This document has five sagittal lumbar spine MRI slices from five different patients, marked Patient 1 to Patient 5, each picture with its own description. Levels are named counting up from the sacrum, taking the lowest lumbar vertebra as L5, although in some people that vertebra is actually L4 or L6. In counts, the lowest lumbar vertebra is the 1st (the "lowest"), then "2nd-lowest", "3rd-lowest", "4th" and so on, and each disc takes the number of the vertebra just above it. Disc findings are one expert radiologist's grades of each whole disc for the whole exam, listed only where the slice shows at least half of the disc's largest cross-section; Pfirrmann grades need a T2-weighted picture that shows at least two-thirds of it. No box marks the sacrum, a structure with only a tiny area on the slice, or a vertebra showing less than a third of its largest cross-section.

Patient 1 of 5:
Lumbar spine MR, T2 SPACE (3D), sagittal. SIEMENS Avanto_fit (1.5T). 512x652 px.
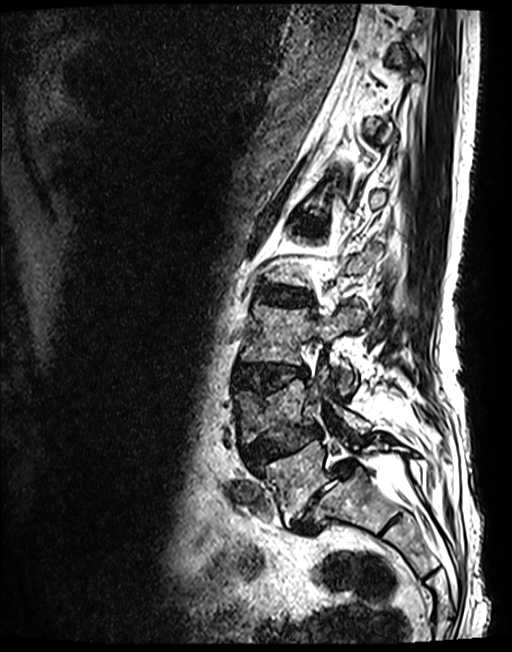
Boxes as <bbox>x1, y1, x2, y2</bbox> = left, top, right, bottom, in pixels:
- L5 vertebra — <bbox>257, 436, 415, 522</bbox>
- L3 vertebra — <bbox>242, 305, 363, 393</bbox>
- intervertebral disc L4/L5 — <bbox>243, 427, 321, 464</bbox>
- L3/L4 — <bbox>235, 364, 306, 392</bbox>
- L4 — <bbox>235, 370, 369, 443</bbox>
- L2/L3 — <bbox>257, 286, 312, 305</bbox>
- spinal canal — <bbox>380, 457, 406, 485</bbox>
- L5/S1 — <bbox>291, 462, 353, 533</bbox>

Expert MSK radiologist gradings (per disc):
• L3/L4: Pfirrmann grade 3, upper-endplate change, disc bulging, lower-endplate change
• L4/L5: Pfirrmann grade 3, disc herniation, disc narrowing, upper-endplate change, spondylolisthesis, lower-endplate change
• L2/L3: disc bulging
• L5/S1: Pfirrmann grade 5, disc narrowing, spondylolisthesis, Modic type II, disc herniation

Patient 2 of 5:
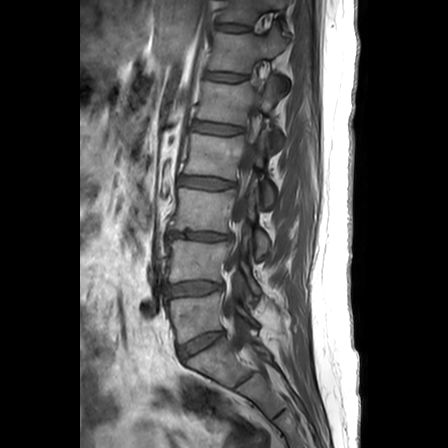 MRI lumbar spine (T1-weighted), sagittal plane. Image 448x448.
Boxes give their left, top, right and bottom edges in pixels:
L5/S1 (lowest disc) — left=181, top=331, right=225, bottom=359.
T11 (7th vertebra) — left=221, top=0, right=287, bottom=23.
L1/L2 (5th disc) — left=194, top=121, right=242, bottom=134.
Disc T11/T12 (7th disc) — left=218, top=23, right=249, bottom=31.
L5 (lowest vertebra) — left=169, top=292, right=258, bottom=342.
L3/L4 (3rd-lowest disc) — left=170, top=231, right=230, bottom=239.
L2 (4th vertebra) — left=186, top=133, right=275, bottom=205.
Disc L2/L3 (4th disc) — left=180, top=175, right=234, bottom=188.
Disc L4/L5 (2nd-lowest disc) — left=168, top=281, right=222, bottom=295.
T12 (6th vertebra) — left=210, top=26, right=285, bottom=71.
L4 (2nd-lowest vertebra) — left=170, top=240, right=262, bottom=293.
L1 (5th vertebra) — left=199, top=75, right=282, bottom=147.
L3 (3rd-lowest vertebra) — left=173, top=188, right=271, bottom=255.
Spinal canal — left=228, top=87, right=260, bottom=346.
T12/L1 (6th disc) — left=207, top=72, right=246, bottom=81.

Degenerative findings by level:
- L3/L4 (3rd-lowest disc): upper-endplate change, disc herniation, Modic type II, lower-endplate change, disc narrowing
- L4/L5 (2nd-lowest disc): disc bulging
- L1/L2 (5th disc), L5/S1 (lowest disc), T12/L1 (6th disc), T11/T12 (7th disc), L2/L3 (4th disc): no herniation, bulging, narrowing, spondylolisthesis, endplate or Modic change recorded

Patient 3 of 5:
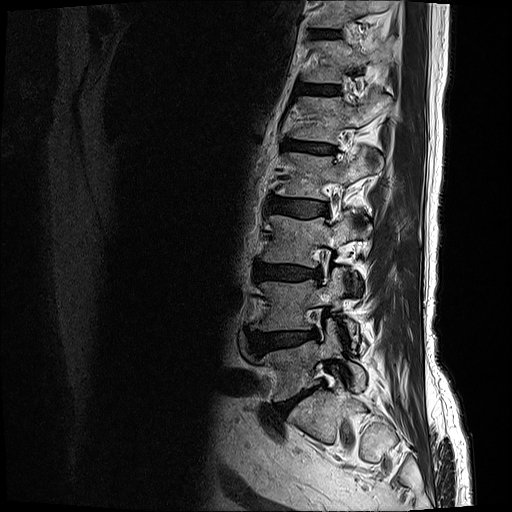 512x512 px. Sagittal slice index 4. Sagittal T2-weighted lumbar spine MRI.
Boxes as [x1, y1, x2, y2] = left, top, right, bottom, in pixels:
Annotations:
- disc L3/L4 (3rd-lowest disc) — [256, 262, 323, 281]
- disc T12/L1 (6th disc) — [299, 85, 339, 96]
- L4/L5 (2nd-lowest disc) — [248, 330, 318, 353]
- T12 (6th vertebra) — [305, 41, 395, 84]
- T11/T12 (7th disc) — [313, 32, 339, 37]
- disc L2/L3 (4th disc) — [268, 196, 329, 216]
- L5 (lowest vertebra) — [253, 320, 366, 400]
- L1 (5th vertebra) — [290, 90, 391, 144]
- L4 (2nd-lowest vertebra) — [256, 268, 359, 348]
- L2 (4th vertebra) — [276, 148, 383, 200]
- L5/S1 (lowest disc) — [277, 387, 318, 413]
- L1/L2 (5th disc) — [285, 140, 335, 153]
- T11 (7th vertebra) — [311, 0, 395, 28]
- L3 (3rd-lowest vertebra) — [262, 211, 371, 267]

Radiological gradings:
- L2/L3 (4th disc): Pfirrmann grade 3, disc bulging
- L3/L4 (3rd-lowest disc): Pfirrmann grade 4, disc narrowing, Modic type II, disc bulging, lower-endplate change
- L1/L2 (5th disc): disc bulging, lower-endplate change, disc narrowing, Modic type II, upper-endplate change
- L4/L5 (2nd-lowest disc): Pfirrmann grade 4, disc herniation, disc bulging
- T12/L1 (6th disc): no spondylolisthesis, narrowing, bulging, herniation, Modic or endplate change recorded

Patient 4 of 5:
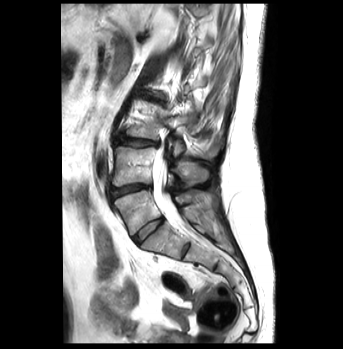 Lumbar spine MR, T2-weighted, sagittal. Sex F. 343x349 px.

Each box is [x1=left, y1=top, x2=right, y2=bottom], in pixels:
lowest vertebra: [x1=114, y1=190, x2=210, y2=235]
2nd-lowest vertebra: [x1=112, y1=146, x2=208, y2=186]
lowest disc: [x1=133, y1=218, x2=163, y2=244]
3rd-lowest disc: [x1=115, y1=135, x2=158, y2=147]
spinal canal: [x1=153, y1=143, x2=187, y2=228]
4th disc: [x1=147, y1=96, x2=165, y2=105]
2nd-lowest disc: [x1=110, y1=183, x2=150, y2=200]
3rd-lowest vertebra: [x1=124, y1=105, x2=219, y2=158]

Degenerative findings by level:
  3rd-lowest disc: Pfirrmann grade 3, Modic type II, disc bulging
  2nd-lowest disc: Pfirrmann grade 4, Modic type II, disc bulging, disc narrowing, lower-endplate change
  lowest disc: Pfirrmann grade 1

Patient 5 of 5:
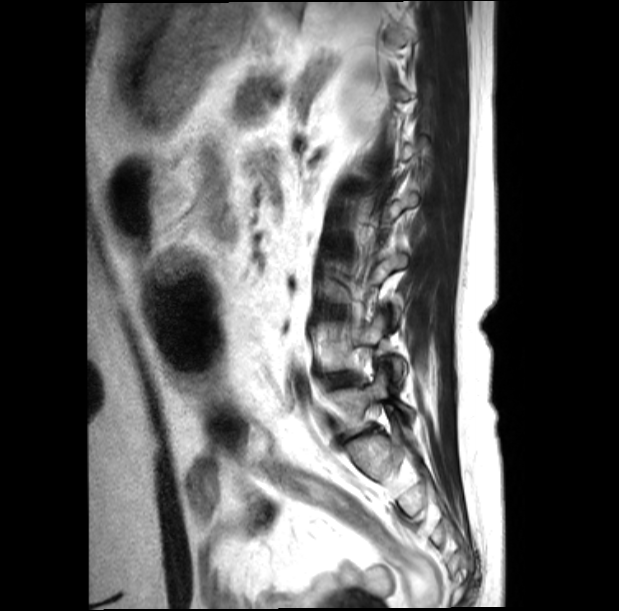 T2-weighted sagittal MRI of the lumbar spine. Slice 17 of 22.
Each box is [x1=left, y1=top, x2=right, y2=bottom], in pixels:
• L4/L5: [x1=328, y1=372, x2=355, y2=387]
• L5: [x1=331, y1=371, x2=412, y2=435]